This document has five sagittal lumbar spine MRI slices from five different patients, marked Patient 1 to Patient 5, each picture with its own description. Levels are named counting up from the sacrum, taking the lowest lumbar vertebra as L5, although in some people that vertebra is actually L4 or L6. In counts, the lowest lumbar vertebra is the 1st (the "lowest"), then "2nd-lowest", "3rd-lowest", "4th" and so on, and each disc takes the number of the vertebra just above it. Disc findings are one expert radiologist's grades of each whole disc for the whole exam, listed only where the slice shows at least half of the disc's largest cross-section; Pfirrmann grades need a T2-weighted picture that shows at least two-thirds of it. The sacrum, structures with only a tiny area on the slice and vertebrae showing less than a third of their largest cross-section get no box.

Patient 1 of 5:
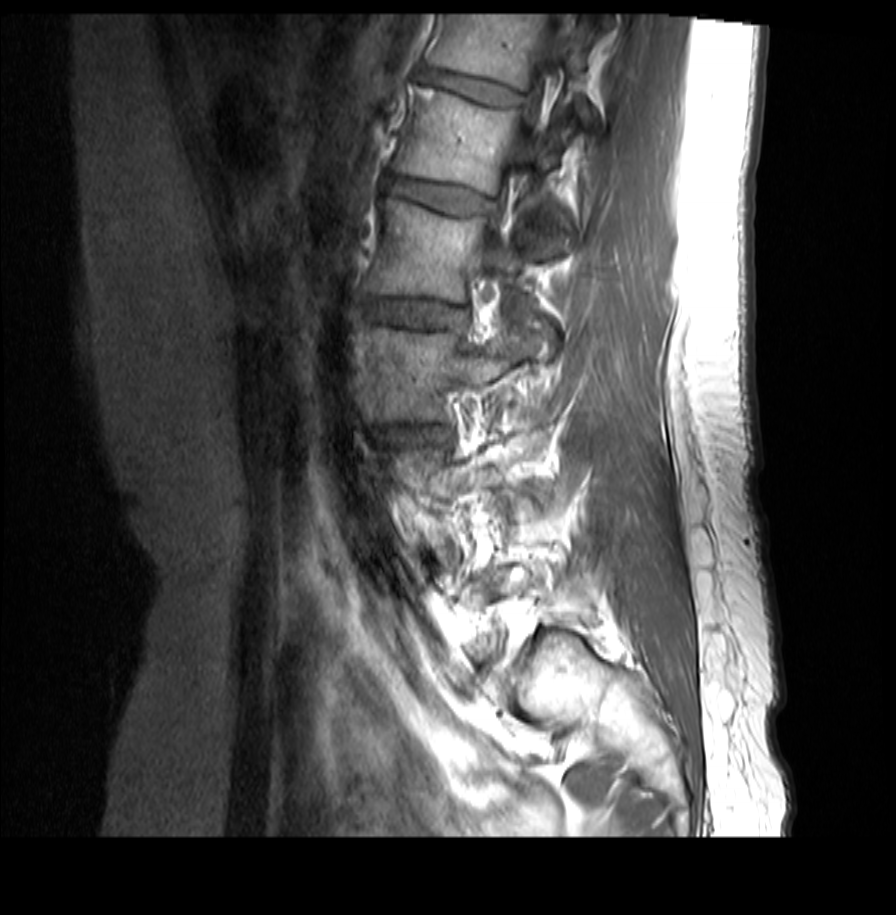 Field of view 280x286 mm, Patient sex: F, MRI lumbar spine (T1-weighted), sagittal plane
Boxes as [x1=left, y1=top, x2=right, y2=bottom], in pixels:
T12 (6th vertebra) at [x1=430, y1=14, x2=592, y2=124], L3 (3rd-lowest vertebra) at [x1=363, y1=320, x2=552, y2=422], L2 (4th vertebra) at [x1=371, y1=200, x2=552, y2=302], T12/L1 (6th disc) at [x1=421, y1=70, x2=522, y2=105], L1 (5th vertebra) at [x1=395, y1=86, x2=572, y2=244], intervertebral disc L1/L2 (5th disc) at [x1=392, y1=178, x2=489, y2=213], intervertebral disc L2/L3 (4th disc) at [x1=371, y1=300, x2=464, y2=327], intervertebral disc L3/L4 (3rd-lowest disc) at [x1=383, y1=428, x2=447, y2=441].

Per-level radiological findings:
• T12/L1 (6th disc), L2/L3 (4th disc), L1/L2 (5th disc): no herniation, bulging, narrowing, spondylolisthesis, endplate or Modic change recorded

Patient 2 of 5:
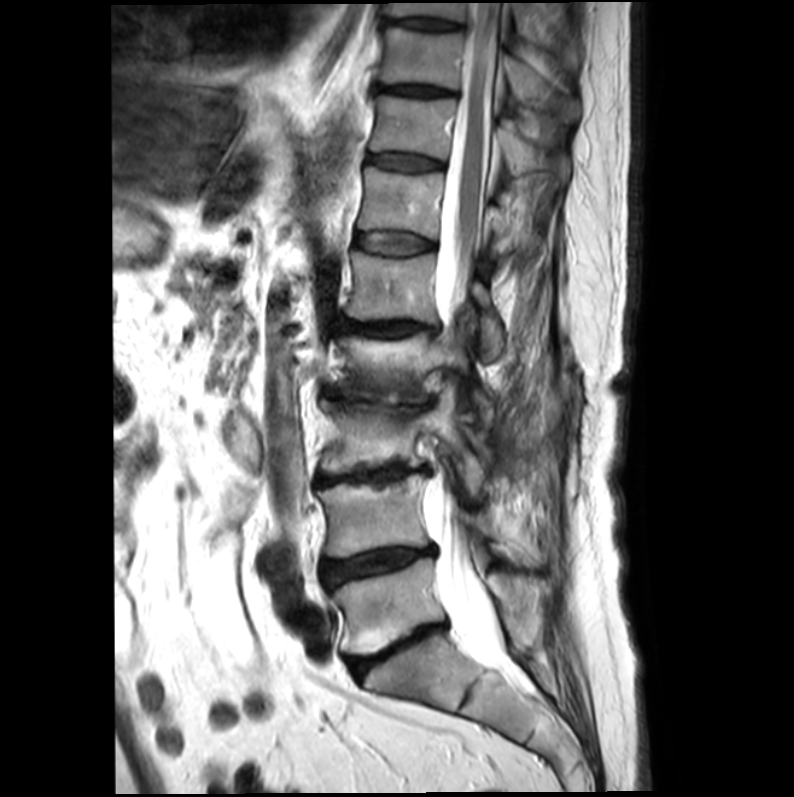 Field of view 308x309 mm. Slice 9/21. Image 794x797. Sagittal T2-weighted lumbar spine MRI.

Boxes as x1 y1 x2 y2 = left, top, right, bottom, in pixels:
L2 at 337 330 493 423, L3 vertebra at 320 388 484 496, IVD T12/L1 at 356 232 432 254, T9 at 381 3 572 50, T10/T11 at 374 85 447 96, L4/L5 at 321 546 434 587, IVD L5/S1 at 348 624 444 676, T11/T12 at 368 155 441 171, L1 at 343 251 501 353, T12 at 358 167 516 254, spinal canal at 422 1 511 676, L2/L3 at 331 395 434 412, L5 vertebra at 331 557 537 654, L1/L2 at 337 317 436 336, T10 vertebra at 377 28 578 123, T11 vertebra at 369 96 567 185, IVD L3/L4 at 316 464 425 485, L4 at 319 474 529 564, T9/T10 at 384 18 460 30.

Expert MSK radiologist gradings (per disc):
- L5/S1: Pfirrmann grade 5, disc narrowing, lower-endplate change, disc bulging, upper-endplate change, Modic type II
- T10/T11: Pfirrmann grade 4
- T9/T10: Pfirrmann grade 3
- L1/L2: Pfirrmann grade 4, disc bulging, Modic type II, lower-endplate change, upper-endplate change, disc narrowing
- L3/L4: Pfirrmann grade 5, disc narrowing, upper-endplate change, disc bulging, lower-endplate change, Modic type II
- T12/L1: Pfirrmann grade 3
- T11/T12: Pfirrmann grade 3
- L4/L5: Pfirrmann grade 5, disc bulging, upper-endplate change, Modic type II, disc narrowing, lower-endplate change

Patient 3 of 5:
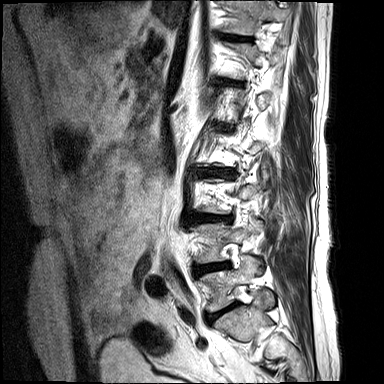 MRI lumbar spine (T2-weighted), sagittal plane, 384x384 px
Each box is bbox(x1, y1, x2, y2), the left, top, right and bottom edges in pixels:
Annotations:
* 4th disc at bbox(199, 167, 234, 179)
* 7th vertebra at bbox(222, 0, 288, 34)
* lowest disc at bbox(210, 304, 235, 318)
* 2nd-lowest disc at bbox(195, 262, 228, 274)
* 7th disc at bbox(222, 34, 250, 41)
* 3rd-lowest disc at bbox(192, 213, 227, 223)
* lowest vertebra at bbox(200, 255, 273, 311)

Radiological gradings:
  4th disc: Pfirrmann grade 4, disc narrowing, Modic type II, lower-endplate change, disc herniation

Patient 4 of 5:
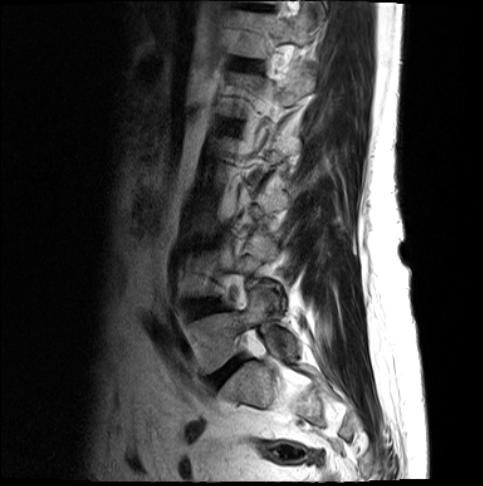 Patient sex: F | MRI lumbar spine (T2-weighted), sagittal plane | Field of view 260x262 mm
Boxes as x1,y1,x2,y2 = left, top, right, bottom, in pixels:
Disc T12/L1 at 232,60,254,68; T12 at 229,9,311,57; L5/S1 at 210,357,243,386; L4/L5 at 188,299,219,317; L5 vertebra at 187,286,294,374.

Patient 5 of 5:
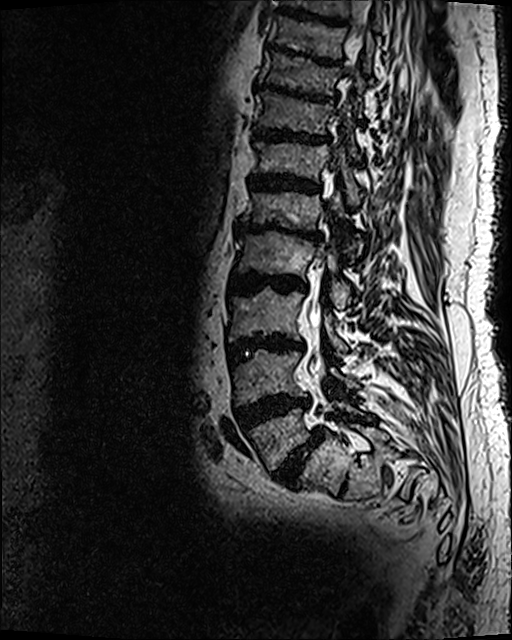 Sex M, T2 SPACE (3D) sagittal MRI of the lumbar spine
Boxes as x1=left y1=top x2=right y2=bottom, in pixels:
8th vertebra: x1=259 y1=51 x2=365 y2=117.
6th vertebra: x1=252 y1=131 x2=361 y2=206.
Spinal canal: x1=310 y1=0 x2=369 y2=374.
7th disc: x1=253 y1=126 x2=331 y2=144.
Lowest disc: x1=274 y1=428 x2=324 y2=487.
2nd-lowest vertebra: x1=232 y1=350 x2=359 y2=406.
2nd-lowest disc: x1=234 y1=394 x2=311 y2=430.
5th vertebra: x1=242 y1=176 x2=358 y2=261.
4th vertebra: x1=234 y1=230 x2=351 y2=309.
9th disc: x1=265 y1=43 x2=341 y2=65.
5th disc: x1=234 y1=220 x2=323 y2=241.
Lowest vertebra: x1=246 y1=399 x2=375 y2=470.
3rd-lowest disc: x1=227 y1=335 x2=303 y2=361.
4th disc: x1=229 y1=273 x2=306 y2=294.
7th vertebra: x1=255 y1=91 x2=358 y2=158.
6th disc: x1=248 y1=174 x2=321 y2=194.
3rd-lowest vertebra: x1=229 y1=287 x2=347 y2=355.
8th disc: x1=254 y1=82 x2=336 y2=103.

Per-level radiological findings:
  4th disc: Pfirrmann grade 5, disc narrowing, upper-endplate change, Modic type II, disc bulging, lower-endplate change
  2nd-lowest disc: Pfirrmann grade 5, disc bulging, upper-endplate change, disc narrowing, lower-endplate change, Modic type II
  lowest disc: Pfirrmann grade 5, lower-endplate change, disc narrowing, disc bulging, spondylolisthesis, upper-endplate change, Modic type II
  3rd-lowest disc: Pfirrmann grade 5, Modic type II, disc bulging, upper-endplate change, disc narrowing, lower-endplate change
  7th disc: Pfirrmann grade 5, upper-endplate change, Modic type II, disc bulging, lower-endplate change, disc narrowing
  6th disc: Pfirrmann grade 5, upper-endplate change, Modic type II, disc bulging, lower-endplate change, disc narrowing